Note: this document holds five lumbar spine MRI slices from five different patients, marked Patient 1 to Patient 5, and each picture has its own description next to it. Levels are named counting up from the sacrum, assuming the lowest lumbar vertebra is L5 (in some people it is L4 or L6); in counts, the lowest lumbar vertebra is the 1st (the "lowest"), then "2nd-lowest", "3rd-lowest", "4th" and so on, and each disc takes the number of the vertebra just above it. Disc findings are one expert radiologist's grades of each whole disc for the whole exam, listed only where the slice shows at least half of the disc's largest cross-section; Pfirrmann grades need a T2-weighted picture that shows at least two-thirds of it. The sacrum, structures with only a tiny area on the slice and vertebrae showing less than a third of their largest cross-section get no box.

Patient 1 of 5:
Slice 13 of 26; Lumbar spine MR, T1-weighted, sagittal; Slice spacing 3.3 mm

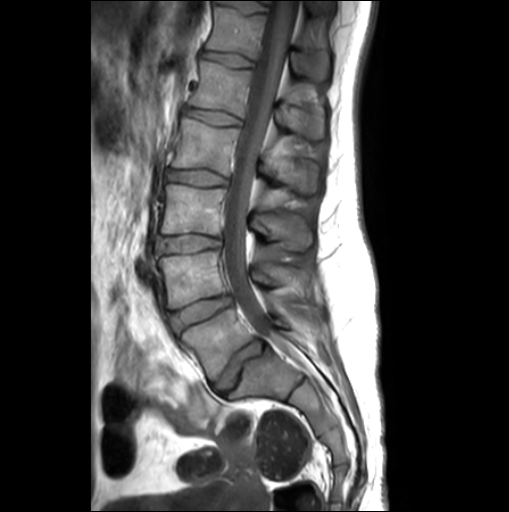 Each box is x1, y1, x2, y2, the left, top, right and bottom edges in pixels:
Intervertebral disc T12/L1 (6th disc) at 201, 51, 254, 67.
L2 (4th vertebra) at 172, 118, 320, 195.
L3/L4 (3rd-lowest disc) at 155, 235, 220, 258.
Spinal canal at 223, 1, 297, 337.
Intervertebral disc L5/S1 (lowest disc) at 214, 340, 265, 393.
T12 (6th vertebra) at 207, 6, 330, 82.
L5 (lowest vertebra) at 182, 309, 317, 379.
L1 (5th vertebra) at 190, 61, 324, 143.
L4/L5 (2nd-lowest disc) at 171, 295, 230, 332.
Intervertebral disc L1/L2 (5th disc) at 184, 108, 240, 125.
L3 (3rd-lowest vertebra) at 161, 184, 312, 249.
L4 (2nd-lowest vertebra) at 158, 251, 309, 308.
L2/L3 (4th disc) at 165, 168, 228, 185.

Degenerative findings by level:
- L4/L5 (2nd-lowest disc): disc bulging
- L5/S1 (lowest disc): lower-endplate change, upper-endplate change, disc bulging
- L3/L4 (3rd-lowest disc): disc bulging
- L2/L3 (4th disc), T12/L1 (6th disc), L1/L2 (5th disc): no spondylolisthesis, narrowing, bulging, herniation, Modic or endplate change recorded

Patient 2 of 5:
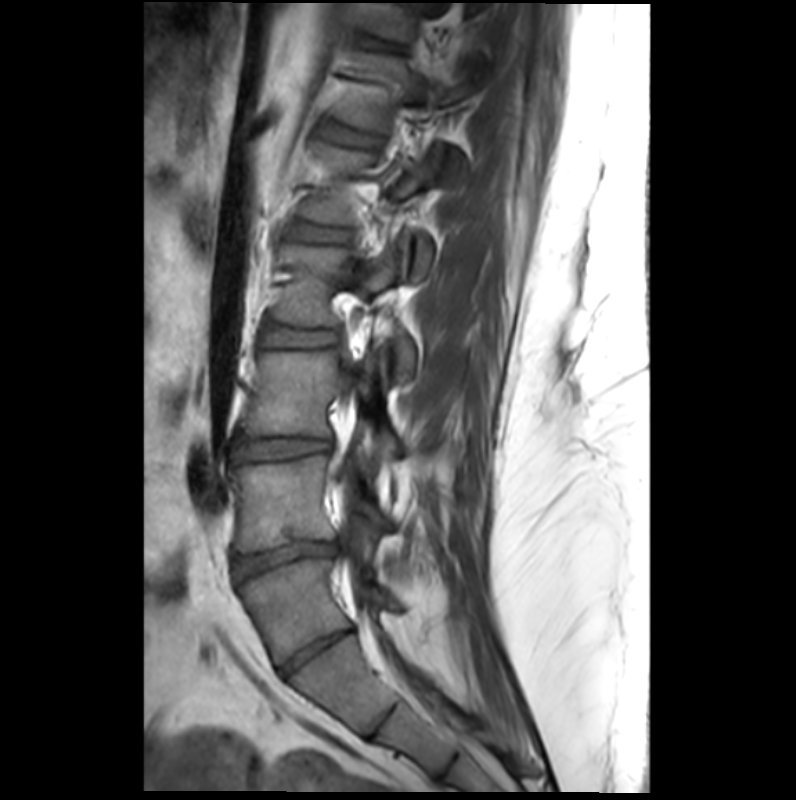
Lumbar spine MR, T1-weighted, sagittal, Sagittal slice index 13

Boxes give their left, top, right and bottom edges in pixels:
IVD T12/L1 at left=322, top=126, right=380, bottom=143; IVD T11/T12 at left=357, top=37, right=403, bottom=49; L1 at left=299, top=141, right=434, bottom=280; L2 at left=275, top=239, right=414, bottom=382; L3 vertebra at left=241, top=350, right=400, bottom=456; IVD L4/L5 at left=234, top=542, right=334, bottom=579; L4 vertebra at left=232, top=455, right=388, bottom=552; L5/S1 at left=281, top=629, right=352, bottom=675; L3/L4 at left=238, top=440, right=328, bottom=459; T12 vertebra at left=335, top=50, right=467, bottom=182; L5 vertebra at left=239, top=558, right=403, bottom=665; IVD L1/L2 at left=289, top=224, right=348, bottom=241; thecal sac / spinal canal at left=340, top=466, right=375, bottom=613; L2/L3 at left=263, top=327, right=337, bottom=346.

Radiological gradings:
• L5/S1: disc narrowing
• L4/L5: upper-endplate change, Modic type III, disc narrowing, lower-endplate change, disc herniation, spondylolisthesis
• L2/L3, L3/L4: no spondylolisthesis, narrowing, bulging, herniation, Modic or endplate change recorded

Patient 3 of 5:
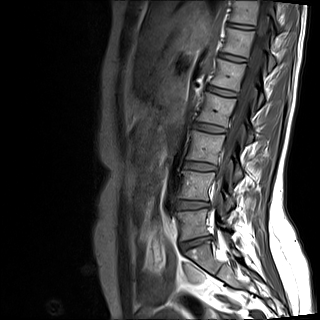
Patient sex: F; Slice 6/15; MRI lumbar spine (T1-weighted), sagittal plane
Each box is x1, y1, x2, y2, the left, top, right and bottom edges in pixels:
Spinal canal at 215, 0, 271, 223; 4th vertebra at 198, 93, 253, 142; 6th disc at 220, 54, 244, 61; 3rd-lowest disc at 184, 162, 215, 170; 7th disc at 228, 23, 252, 29; 5th vertebra at 211, 59, 263, 108; 5th disc at 208, 85, 237, 96; 2nd-lowest vertebra at 178, 171, 234, 210; lowest vertebra at 177, 209, 230, 240; 4th disc at 193, 123, 226, 133; 6th vertebra at 223, 28, 274, 70; 3rd-lowest vertebra at 187, 130, 242, 182; 7th vertebra at 230, 0, 281, 31; 2nd-lowest disc at 175, 200, 207, 209; lowest disc at 181, 236, 210, 248.

Degenerative findings by level:
- 2nd-lowest disc: disc narrowing
- lowest disc: disc bulging, disc narrowing, Modic type II, disc herniation
- 5th disc, 4th disc, 7th disc, 3rd-lowest disc, 6th disc: no Modic or endplate change, herniation, narrowing, bulging or spondylolisthesis recorded

Patient 4 of 5:
MRI lumbar spine (T1-weighted), sagittal plane 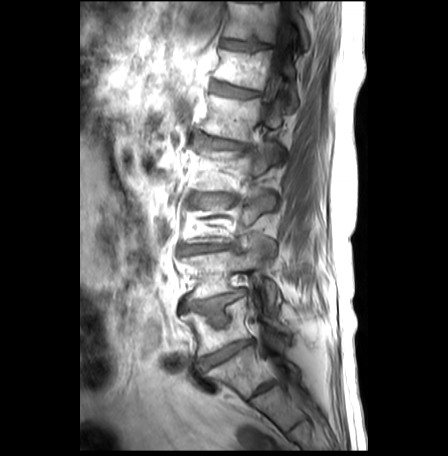 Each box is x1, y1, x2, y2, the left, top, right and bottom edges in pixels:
Disc T11/T12 (7th disc) at 220, 39, 271, 52; T11 (7th vertebra) at 223, 1, 308, 51; T12/L1 (6th disc) at 211, 82, 259, 98; L4 (2nd-lowest vertebra) at 179, 240, 281, 312; L5/S1 (lowest disc) at 198, 340, 251, 371; L5 (lowest vertebra) at 182, 294, 287, 356; disc L2/L3 (4th disc) at 198, 195, 230, 203; L1 (5th vertebra) at 200, 95, 282, 142; L4/L5 (2nd-lowest disc) at 182, 290, 246, 324; spinal canal at 272, 19, 289, 77; L1/L2 (5th disc) at 193, 135, 245, 150; L3/L4 (3rd-lowest disc) at 180, 245, 231, 254; T12 (6th vertebra) at 213, 50, 297, 112.

Per-level radiological findings:
- T11/T12 (7th disc): upper-endplate change, Modic type II, lower-endplate change
- L1/L2 (5th disc): Modic type II, disc bulging, upper-endplate change, lower-endplate change
- L4/L5 (2nd-lowest disc): lower-endplate change, disc bulging, Modic type II, upper-endplate change
- L5/S1 (lowest disc): Modic type II, disc bulging, disc narrowing
- T12/L1 (6th disc): lower-endplate change, Modic type II, upper-endplate change, disc bulging

Patient 5 of 5:
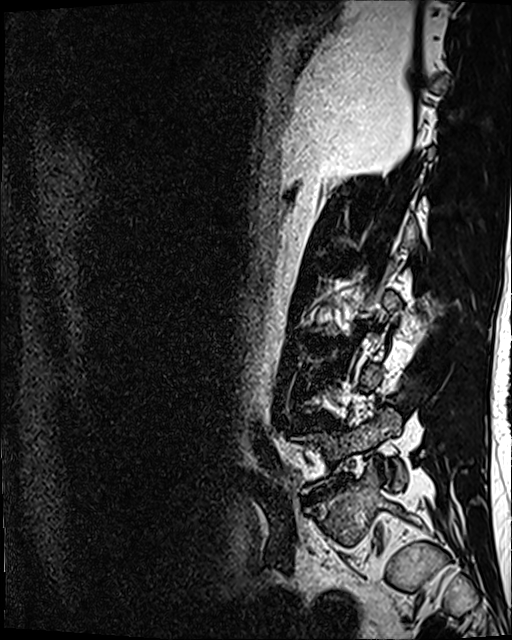 Lumbar spine MR, T2 SPACE (3D), sagittal, Patient sex: M, Slice spacing 0.9 mm

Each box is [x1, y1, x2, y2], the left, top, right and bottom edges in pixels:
3rd-lowest disc = [306, 337, 332, 344].
4th disc = [330, 257, 343, 263].
Lowest vertebra = [296, 409, 406, 493].
2nd-lowest disc = [302, 416, 329, 426].